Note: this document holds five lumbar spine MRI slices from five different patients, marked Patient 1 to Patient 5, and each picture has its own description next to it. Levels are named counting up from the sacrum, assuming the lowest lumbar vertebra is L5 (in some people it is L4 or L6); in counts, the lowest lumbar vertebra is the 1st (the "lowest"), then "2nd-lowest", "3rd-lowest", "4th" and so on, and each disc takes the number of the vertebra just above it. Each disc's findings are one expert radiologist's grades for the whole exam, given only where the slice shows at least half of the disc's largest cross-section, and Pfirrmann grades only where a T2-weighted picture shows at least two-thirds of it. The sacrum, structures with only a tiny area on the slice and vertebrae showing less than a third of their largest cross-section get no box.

Patient 1 of 5:
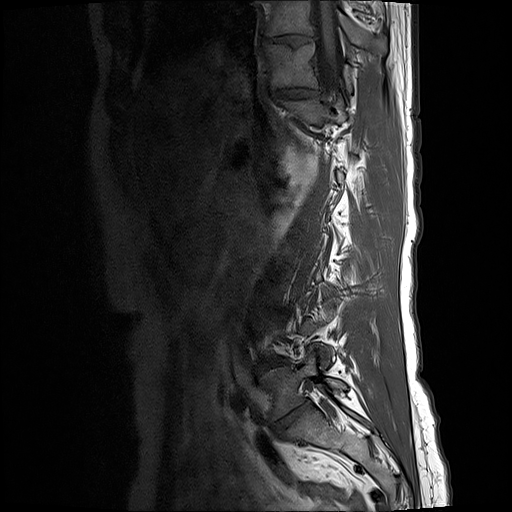 Image 512x512, Lumbar spine MR, T1-weighted, sagittal

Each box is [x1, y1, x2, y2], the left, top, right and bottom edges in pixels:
IVD L5/S1 at [271, 401, 308, 434] | thecal sac / spinal canal at [314, 1, 342, 94] | L5 at [260, 347, 347, 419] | IVD T11/T12 at [271, 88, 319, 102] | T10 vertebra at [266, 0, 386, 51] | T11 vertebra at [265, 43, 351, 94] | IVD T10/T11 at [267, 35, 311, 43] | L4/L5 at [262, 358, 286, 366]

Per-level radiological findings:
  T11/T12: disc bulging, disc narrowing
  T10/T11: disc bulging, disc narrowing
  L5/S1: disc narrowing, disc bulging, lower-endplate change, upper-endplate change, Modic type II

Patient 2 of 5:
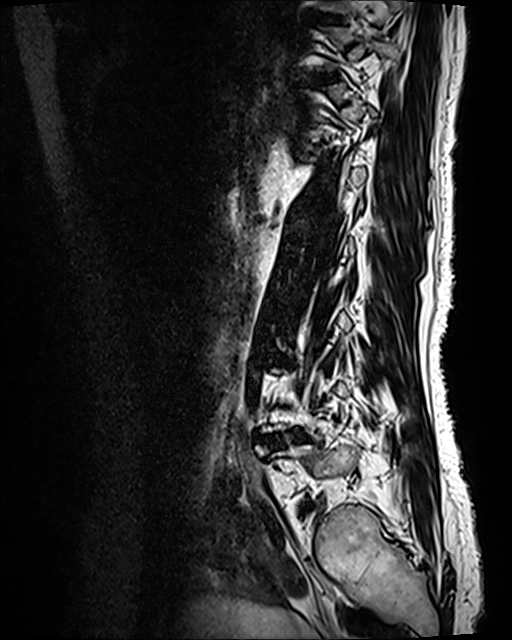
Image 512x640; Sagittal T2 SPACE (3D) lumbar spine MRI

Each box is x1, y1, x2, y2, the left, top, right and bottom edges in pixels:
{"IVD T10/T11": "320, 16, 344, 22", "L4/L5": "264, 430, 305, 448", "T10 vertebra": "309, 0, 401, 12"}

Patient 3 of 5:
Sagittal slice index 14. Sagittal T1-weighted lumbar spine MRI. 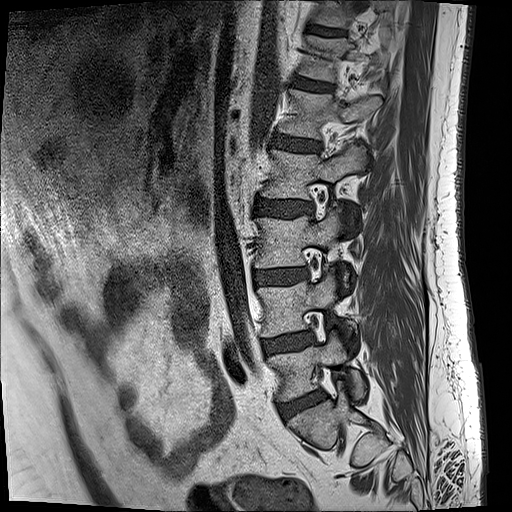 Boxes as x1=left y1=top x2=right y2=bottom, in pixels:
4th vertebra at x1=261 y1=143 x2=366 y2=198, 2nd-lowest vertebra at x1=258 y1=269 x2=353 y2=337, 3rd-lowest vertebra at x1=256 y1=207 x2=350 y2=285, 6th disc at x1=293 y1=79 x2=330 y2=90, 4th disc at x1=258 y1=198 x2=310 y2=217, 2nd-lowest disc at x1=262 y1=332 x2=313 y2=355, 5th disc at x1=274 y1=135 x2=318 y2=151, lowest disc at x1=279 y1=391 x2=324 y2=420, lowest vertebra at x1=269 y1=330 x2=366 y2=400, 7th disc at x1=310 y1=25 x2=342 y2=35, 3rd-lowest disc at x1=256 y1=268 x2=306 y2=285, 5th vertebra at x1=280 y1=89 x2=380 y2=138.

Per-level radiological findings:
  3rd-lowest disc: disc bulging, Modic type II
  lowest disc: disc narrowing, disc bulging, Modic type II
  2nd-lowest disc: Modic type II, disc bulging
  5th disc: disc bulging
  4th disc: disc bulging
  6th disc: no spondylolisthesis, narrowing, bulging, herniation, Modic or endplate change recorded

Patient 4 of 5:
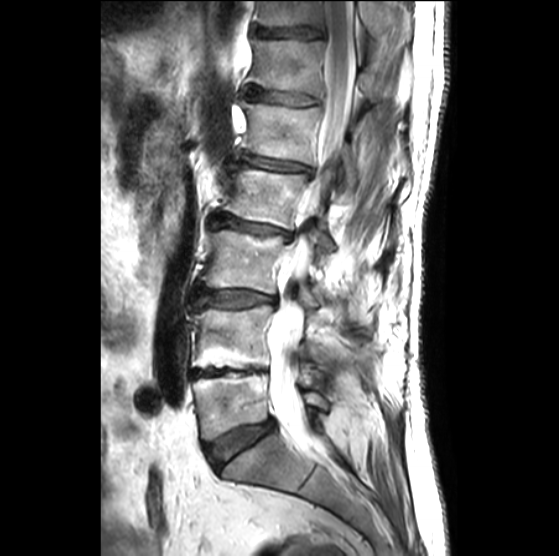
Field of view 282x281 mm | Lumbar spine MR, T2-weighted, sagittal | Patient sex: M
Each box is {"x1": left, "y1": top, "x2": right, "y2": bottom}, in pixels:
* L1 vertebra: {"x1": 235, "y1": 101, "x2": 358, "y2": 190}
* L3: {"x1": 202, "y1": 230, "x2": 320, "y2": 311}
* L1/L2: {"x1": 238, "y1": 157, "x2": 311, "y2": 173}
* T12 vertebra: {"x1": 249, "y1": 37, "x2": 409, "y2": 101}
* L4: {"x1": 192, "y1": 305, "x2": 376, "y2": 369}
* IVD T12/L1: {"x1": 248, "y1": 86, "x2": 317, "y2": 106}
* T11 vertebra: {"x1": 256, "y1": 1, "x2": 390, "y2": 36}
* T11/T12: {"x1": 253, "y1": 26, "x2": 323, "y2": 37}
* L5/S1: {"x1": 208, "y1": 420, "x2": 273, "y2": 467}
* L3/L4: {"x1": 197, "y1": 290, "x2": 276, "y2": 306}
* L2: {"x1": 224, "y1": 164, "x2": 334, "y2": 253}
* L5: {"x1": 193, "y1": 372, "x2": 327, "y2": 439}
* L2/L3: {"x1": 213, "y1": 215, "x2": 291, "y2": 238}
* thecal sac / spinal canal: {"x1": 269, "y1": 1, "x2": 355, "y2": 456}
* IVD L4/L5: {"x1": 192, "y1": 368, "x2": 267, "y2": 376}

Per-level radiological findings:
• L4/L5: Pfirrmann grade 5, upper-endplate change, disc narrowing, lower-endplate change, Modic type II
• L1/L2: Pfirrmann grade 3, disc bulging, Modic type III, lower-endplate change, upper-endplate change, disc narrowing
• T12/L1: Pfirrmann grade 3, disc narrowing
• L3/L4: Pfirrmann grade 2, disc bulging
• L2/L3: Pfirrmann grade 3, Modic type II, upper-endplate change, lower-endplate change, disc bulging, disc narrowing
• L5/S1: Pfirrmann grade 3, disc bulging
• T11/T12: Pfirrmann grade 4, disc narrowing

Patient 5 of 5:
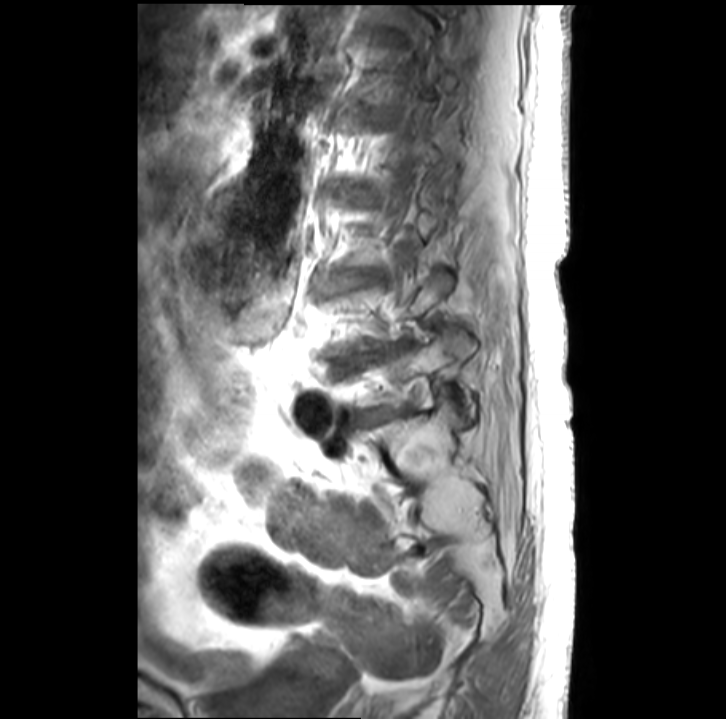 T1-weighted sagittal MRI of the lumbar spine; 726x719 px
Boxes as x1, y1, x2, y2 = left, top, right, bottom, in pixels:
Segmented structures:
• L3/L4 = 335, 276, 367, 288
• L5 vertebra = 361, 331, 475, 417
• intervertebral disc L4/L5 = 356, 341, 407, 364
• intervertebral disc L5/S1 = 368, 413, 386, 422